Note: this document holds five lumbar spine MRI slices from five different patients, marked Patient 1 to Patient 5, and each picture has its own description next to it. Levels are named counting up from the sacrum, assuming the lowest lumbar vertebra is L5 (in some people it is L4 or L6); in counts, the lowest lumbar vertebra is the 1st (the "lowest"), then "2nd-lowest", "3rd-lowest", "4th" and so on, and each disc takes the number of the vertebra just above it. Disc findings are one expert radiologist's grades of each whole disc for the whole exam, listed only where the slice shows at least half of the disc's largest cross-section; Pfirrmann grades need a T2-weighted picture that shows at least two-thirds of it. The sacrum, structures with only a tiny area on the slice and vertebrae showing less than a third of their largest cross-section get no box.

Patient 1 of 5:
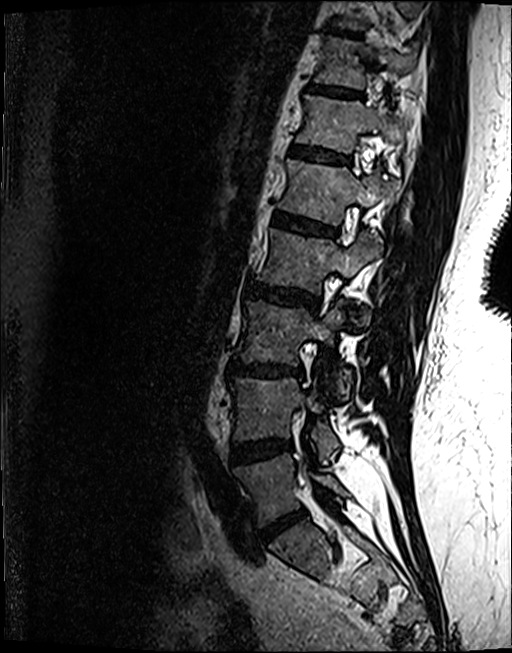

Lumbar spine MR, T2 SPACE (3D), sagittal. Sagittal slice index 76. 512x653 px.
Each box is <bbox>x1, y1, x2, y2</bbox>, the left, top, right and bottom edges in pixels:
• disc T12/L1 — <bbox>291, 145, 350, 162</bbox>
• disc L2/L3 — <bbox>248, 283, 319, 309</bbox>
• disc L4/L5 — <bbox>230, 438, 292, 463</bbox>
• L2 — <bbox>257, 227, 382, 325</bbox>
• T12 vertebra — <bbox>296, 94, 401, 152</bbox>
• L5/S1 — <bbox>261, 510, 305, 541</bbox>
• disc T11/T12 — <bbox>307, 84, 363, 96</bbox>
• disc T10/T11 — <bbox>325, 26, 361, 36</bbox>
• disc L3/L4 — <bbox>230, 361, 302, 377</bbox>
• L3 — <bbox>236, 300, 349, 398</bbox>
• L1 vertebra — <bbox>277, 158, 389, 224</bbox>
• L4 vertebra — <bbox>230, 378, 340, 460</bbox>
• L5 — <bbox>233, 452, 348, 526</bbox>
• T11 vertebra — <bbox>314, 35, 416, 88</bbox>
• disc L1/L2 — <bbox>274, 211, 336, 235</bbox>

Degenerative findings by level:
  T12/L1: Pfirrmann grade 3, upper-endplate change, lower-endplate change
  T11/T12: upper-endplate change
  L4/L5: Pfirrmann grade 4, disc bulging, lower-endplate change, Modic type II
  L3/L4: Pfirrmann grade 4, disc narrowing, upper-endplate change, disc bulging, lower-endplate change, Modic type II
  L1/L2: Pfirrmann grade 4, Modic type II, lower-endplate change, upper-endplate change
  L2/L3: Pfirrmann grade 4, upper-endplate change, lower-endplate change, disc bulging

Patient 2 of 5:
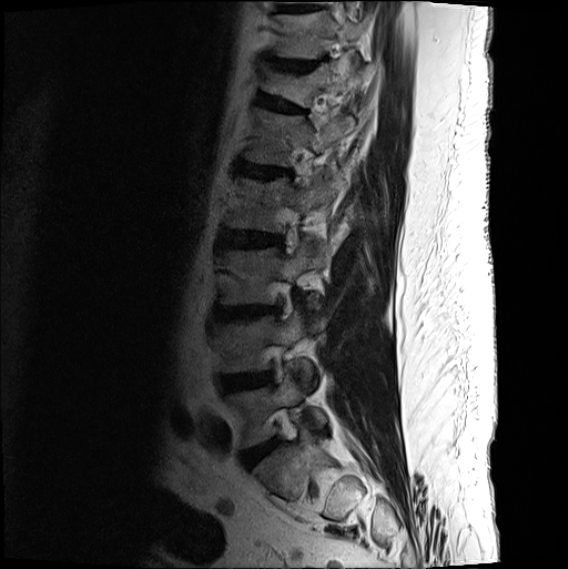 Image 568x569, MRI lumbar spine (T2-weighted), sagittal plane
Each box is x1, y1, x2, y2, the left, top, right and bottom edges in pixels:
L3/L4 (3rd-lowest disc): 214, 305, 280, 320.
L2 (4th vertebra): 225, 170, 341, 232.
T11 (7th vertebra): 272, 10, 365, 58.
L1 (5th vertebra): 242, 107, 354, 166.
L5 (lowest vertebra): 226, 375, 326, 448.
IVD L1/L2 (5th disc): 235, 159, 292, 178.
T12 (6th vertebra): 260, 54, 367, 106.
IVD L2/L3 (4th disc): 222, 230, 282, 247.
T11/T12 (7th disc): 258, 54, 326, 72.
L4/L5 (2nd-lowest disc): 220, 371, 273, 391.
L5/S1 (lowest disc): 241, 438, 279, 468.
L3 (3rd-lowest vertebra): 220, 238, 331, 311.
T12/L1 (6th disc): 256, 92, 302, 111.
L4 (2nd-lowest vertebra): 212, 307, 324, 383.

Degenerative findings by level:
- T11/T12 (7th disc): Pfirrmann grade 2, disc narrowing, disc bulging, upper-endplate change, lower-endplate change
- L1/L2 (5th disc): Pfirrmann grade 3, disc bulging, upper-endplate change, Modic type II, lower-endplate change, disc narrowing
- T12/L1 (6th disc): lower-endplate change, disc bulging, upper-endplate change, spondylolisthesis
- L4/L5 (2nd-lowest disc): disc narrowing, disc bulging
- L2/L3 (4th disc): Pfirrmann grade 3, lower-endplate change, disc bulging
- L3/L4 (3rd-lowest disc): Modic type II, lower-endplate change, disc bulging, upper-endplate change

Patient 3 of 5:
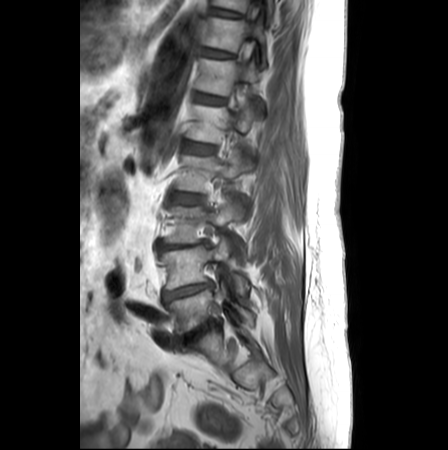
Sagittal T1-weighted lumbar spine MRI | Image 448x450 | Field of view 280x281 mm | Slice 18 of 26

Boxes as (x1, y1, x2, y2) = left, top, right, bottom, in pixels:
- disc L5/S1: (178, 319, 218, 344)
- disc L2/L3: (171, 192, 201, 203)
- L2 vertebra: (175, 148, 248, 191)
- disc T12/L1: (195, 93, 225, 104)
- thecal sac / spinal canal: (252, 0, 259, 19)
- L3 vertebra: (166, 195, 240, 242)
- L5 vertebra: (167, 283, 254, 335)
- L1: (186, 102, 253, 142)
- L4 vertebra: (159, 236, 249, 293)
- L1/L2: (183, 141, 214, 153)
- T11 vertebra: (204, 16, 265, 65)
- L4/L5: (163, 282, 212, 301)
- disc L3/L4: (158, 240, 206, 249)
- disc T11/T12: (202, 48, 234, 57)
- T10: (213, 0, 274, 16)
- T12: (196, 58, 258, 95)
- T10/T11: (212, 8, 241, 16)

Degenerative findings by level:
  L2/L3: disc bulging
  L4/L5: disc narrowing, disc bulging
  L5/S1: disc narrowing, disc bulging, lower-endplate change, Modic type II, upper-endplate change
  T12/L1, T11/T12, T10/T11, L1/L2: no spondylolisthesis, narrowing, bulging, herniation, Modic or endplate change recorded

Patient 4 of 5:
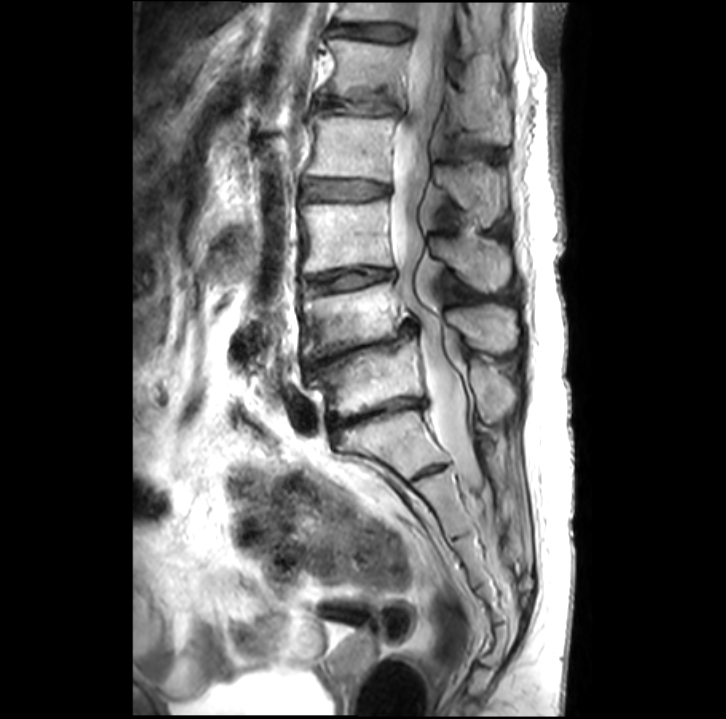 Sex F; Lumbar spine MR, T2-weighted, sagittal; Sagittal slice index 15

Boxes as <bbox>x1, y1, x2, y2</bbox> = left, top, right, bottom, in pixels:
Lowest disc = <bbox>328, 397, 424, 433</bbox>.
3rd-lowest vertebra = <bbox>301, 199, 510, 292</bbox>.
2nd-lowest vertebra = <bbox>301, 281, 517, 360</bbox>.
2nd-lowest disc = <bbox>306, 323, 415, 372</bbox>.
5th vertebra = <bbox>328, 37, 509, 142</bbox>.
4th vertebra = <bbox>307, 114, 504, 224</bbox>.
6th disc = <bbox>335, 23, 409, 39</bbox>.
Lowest vertebra = <bbox>309, 340, 516, 415</bbox>.
5th disc = <bbox>318, 96, 398, 113</bbox>.
Spinal canal = <bbox>390, 1, 484, 488</bbox>.
4th disc = <bbox>304, 179, 387, 198</bbox>.
3rd-lowest disc = <bbox>307, 266, 392, 289</bbox>.
6th vertebra = <bbox>338, 1, 477, 58</bbox>.

Degenerative findings by level:
  2nd-lowest disc: Pfirrmann grade 5, disc narrowing
  lowest disc: Pfirrmann grade 5, Modic type II, disc narrowing
  5th disc: Pfirrmann grade 4, disc bulging, disc narrowing
  3rd-lowest disc: Pfirrmann grade 3, disc narrowing, Modic type II
  6th disc: Pfirrmann grade 2, disc bulging
  4th disc: Pfirrmann grade 2

Patient 5 of 5:
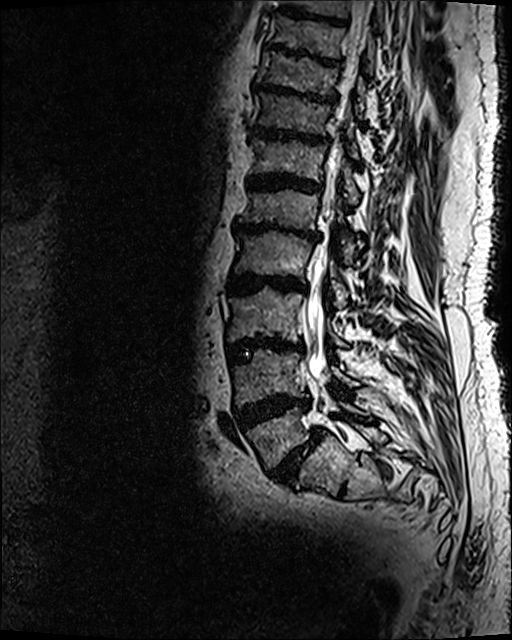

MRI lumbar spine (T2 SPACE (3D)), sagittal plane, Slice spacing 0.9 mm, 512x640 px
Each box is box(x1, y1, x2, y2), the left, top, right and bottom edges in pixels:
Thecal sac / spinal canal at box(307, 0, 372, 407); L2/L3 at box(228, 273, 305, 294); L3 vertebra at box(228, 287, 348, 347); IVD L5/S1 at box(270, 428, 323, 486); IVD L1/L2 at box(233, 220, 321, 241); L2 at box(234, 231, 349, 308); L4 at box(233, 349, 360, 404); IVD L4/L5 at box(231, 393, 311, 429); T12/L1 at box(247, 174, 322, 193); IVD T10/T11 at box(252, 81, 333, 104); IVD T9/T10 at box(263, 43, 339, 66); T10 at box(257, 49, 365, 118); L1 vertebra at box(240, 178, 357, 263); L3/L4 at box(227, 336, 302, 364); L5 at box(246, 401, 371, 469); T12 at box(248, 137, 360, 205); T11 vertebra at box(252, 92, 359, 158); IVD T11/T12 at box(252, 124, 330, 144).

Degenerative findings by level:
• L1/L2: Modic type II, upper-endplate change, disc narrowing, disc bulging, lower-endplate change
• L2/L3: Pfirrmann grade 5, lower-endplate change, Modic type II, upper-endplate change, disc bulging, disc narrowing
• T9/T10: lower-endplate change, Modic type II, upper-endplate change, disc narrowing, disc bulging
• T11/T12: Pfirrmann grade 5, disc narrowing, disc bulging, lower-endplate change, Modic type II, upper-endplate change
• T12/L1: Pfirrmann grade 5, upper-endplate change, disc bulging, lower-endplate change, disc narrowing, Modic type II
• T10/T11: disc narrowing, lower-endplate change, disc bulging, upper-endplate change, Modic type II
• L5/S1: Pfirrmann grade 5, disc narrowing, Modic type II, lower-endplate change, disc bulging, upper-endplate change, spondylolisthesis
• L3/L4: Pfirrmann grade 5, disc bulging, lower-endplate change, Modic type II, upper-endplate change, disc narrowing
• L4/L5: Pfirrmann grade 5, lower-endplate change, Modic type II, disc narrowing, disc bulging, upper-endplate change